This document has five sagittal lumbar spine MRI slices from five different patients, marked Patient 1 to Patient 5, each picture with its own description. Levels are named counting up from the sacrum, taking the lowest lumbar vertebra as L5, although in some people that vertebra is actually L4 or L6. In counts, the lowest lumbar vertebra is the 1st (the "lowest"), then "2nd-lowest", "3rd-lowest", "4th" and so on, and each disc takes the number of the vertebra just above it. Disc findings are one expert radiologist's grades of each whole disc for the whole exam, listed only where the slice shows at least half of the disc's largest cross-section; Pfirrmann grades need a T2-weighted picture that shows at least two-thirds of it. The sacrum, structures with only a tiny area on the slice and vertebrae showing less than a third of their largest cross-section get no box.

Patient 1 of 5:
Lumbar spine MR, T2 SPACE (3D), sagittal, Sagittal slice index 51
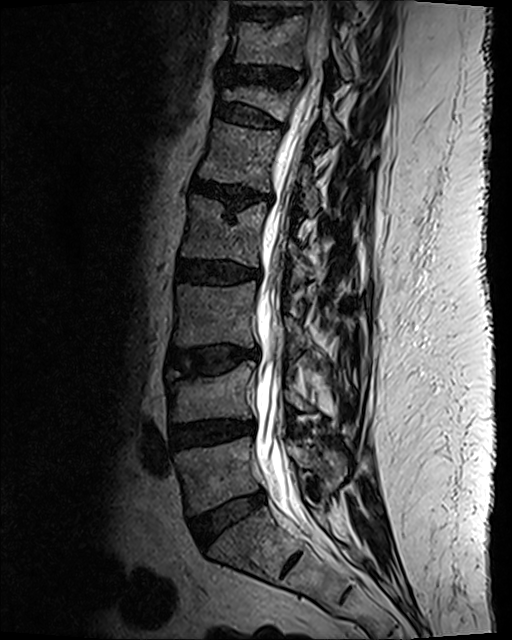 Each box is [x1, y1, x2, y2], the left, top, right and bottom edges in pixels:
L4/L5 (2nd-lowest disc): [171, 421, 246, 447].
L1 (5th vertebra): [199, 121, 319, 217].
Disc T11/T12 (7th disc): [226, 68, 297, 88].
Disc L5/S1 (lowest disc): [191, 490, 266, 546].
L1/L2 (5th disc): [193, 181, 255, 211].
T12/L1 (6th disc): [215, 103, 282, 129].
T11 (7th vertebra): [229, 16, 350, 80].
T12 (6th vertebra): [223, 83, 341, 144].
Spinal canal: [254, 1, 330, 532].
Disc L2/L3 (4th disc): [178, 260, 259, 285].
L3/L4 (3rd-lowest disc): [169, 348, 257, 374].
L5 (lowest vertebra): [176, 437, 346, 514].
L2 (4th vertebra): [182, 198, 311, 286].
L4 (2nd-lowest vertebra): [166, 362, 337, 431].
L3 (3rd-lowest vertebra): [174, 281, 314, 355].
Disc T10/T11 (8th disc): [236, 10, 300, 20].

Expert MSK radiologist gradings (per disc):
• L3/L4 (3rd-lowest disc): Pfirrmann grade 3, Modic type II, lower-endplate change, disc bulging, upper-endplate change
• L1/L2 (5th disc): Pfirrmann grade 3, lower-endplate change, Modic type II, disc narrowing, disc bulging, upper-endplate change
• L2/L3 (4th disc): Pfirrmann grade 3, lower-endplate change, disc bulging
• L4/L5 (2nd-lowest disc): Pfirrmann grade 3, disc narrowing, disc bulging
• T12/L1 (6th disc): Pfirrmann grade 2, disc bulging, upper-endplate change, spondylolisthesis, lower-endplate change
• T11/T12 (7th disc): Pfirrmann grade 2, disc bulging, lower-endplate change, upper-endplate change, disc narrowing
• L5/S1 (lowest disc): Pfirrmann grade 2, disc bulging

Patient 2 of 5:
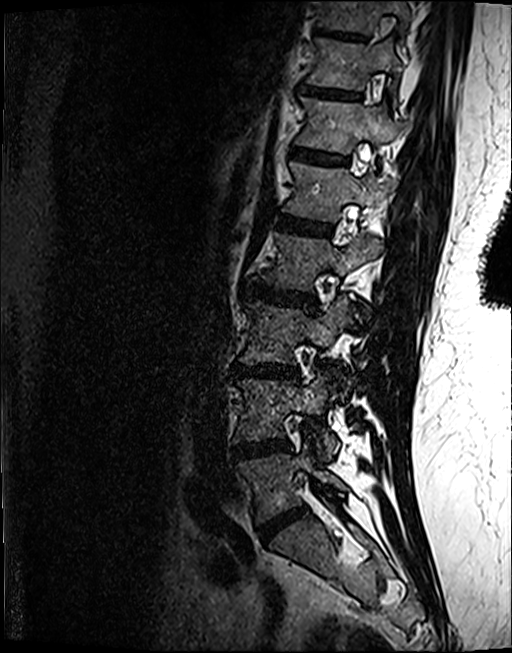 Image 512x653, T2 SPACE (3D) sagittal MRI of the lumbar spine, Patient sex: F
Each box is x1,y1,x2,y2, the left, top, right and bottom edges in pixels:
L3/L4 — 234,364,298,377 | disc L4/L5 — 232,438,288,459 | T12 — 293,97,394,152 | L5/S1 — 258,507,306,541 | L1 vertebra — 282,162,383,221 | L2/L3 — 241,282,316,310 | L5 vertebra — 234,444,347,524 | disc T12/L1 — 290,147,347,163 | T11/T12 — 305,85,361,97 | L4 vertebra — 235,375,338,457 | T11 — 305,37,401,89 | L3 — 241,296,346,364 | disc L1/L2 — 277,215,332,234 | disc T10/T11 — 313,27,366,39 | L2 — 253,230,381,290 | T10 — 317,0,410,33

Expert MSK radiologist gradings (per disc):
  T11/T12: upper-endplate change
  L5/S1: disc narrowing, disc bulging
  L2/L3: Pfirrmann grade 4, upper-endplate change, disc bulging, lower-endplate change
  T12/L1: Pfirrmann grade 3, upper-endplate change, lower-endplate change
  L3/L4: Pfirrmann grade 4, disc bulging, upper-endplate change, Modic type II, lower-endplate change, disc narrowing
  T10/T11: lower-endplate change, upper-endplate change
  L1/L2: Pfirrmann grade 4, lower-endplate change, Modic type II, upper-endplate change
  L4/L5: lower-endplate change, disc bulging, Modic type II

Patient 3 of 5:
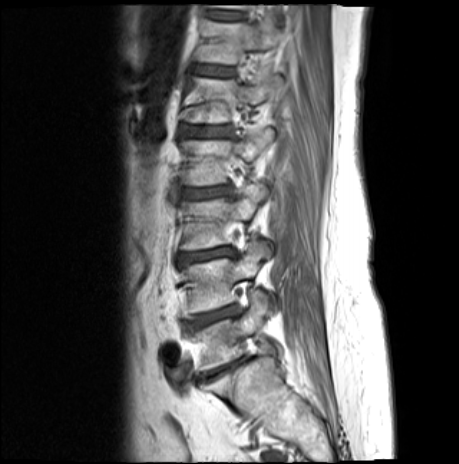 Lumbar spine MR, T1-weighted, sagittal

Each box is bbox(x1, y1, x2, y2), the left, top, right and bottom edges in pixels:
L3 vertebra at bbox(181, 184, 269, 250); intervertebral disc L3/L4 at bbox(178, 247, 236, 263); intervertebral disc L1/L2 at bbox(186, 126, 231, 136); L2 vertebra at bbox(181, 128, 274, 186); L4/L5 at bbox(184, 306, 237, 329); intervertebral disc L5/S1 at bbox(199, 360, 243, 379); L5 vertebra at bbox(194, 290, 267, 373); T12/L1 at bbox(198, 66, 234, 76); L1 vertebra at bbox(186, 74, 283, 123); L4 vertebra at bbox(182, 240, 269, 317); L2/L3 at bbox(182, 187, 227, 198); T12 vertebra at bbox(198, 19, 281, 64); T11/T12 at bbox(209, 12, 244, 19).

Per-level radiological findings:
  L1/L2: Modic type II, upper-endplate change, lower-endplate change, disc bulging
  L2/L3: upper-endplate change, disc bulging, lower-endplate change, Modic type II
  L4/L5: disc narrowing, lower-endplate change, Modic type II, upper-endplate change, disc bulging
  T11/T12: Modic type II
  L3/L4: disc narrowing, disc bulging, Modic type II, lower-endplate change, upper-endplate change
  T12/L1: lower-endplate change, upper-endplate change, Modic type II

Patient 4 of 5:
MRI lumbar spine (T2-weighted), sagittal plane. Slice 3 of 17.
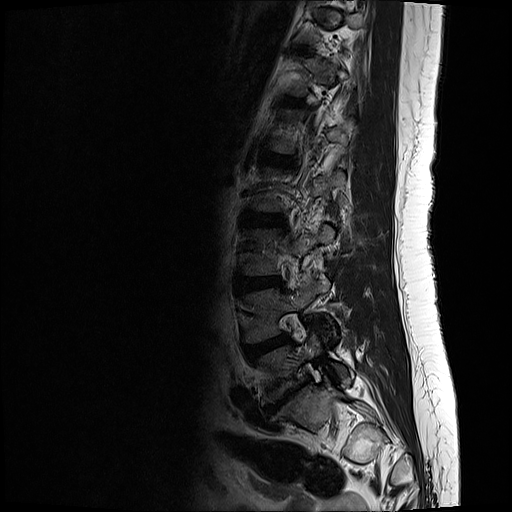 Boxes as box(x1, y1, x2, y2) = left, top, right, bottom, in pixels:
L3/L4: box(232, 277, 282, 292).
T11/T12: box(288, 46, 310, 50).
T12 vertebra: box(280, 55, 354, 95).
L4: box(240, 276, 327, 342).
Intervertebral disc L4/L5: box(242, 334, 291, 359).
Intervertebral disc L1/L2: box(255, 150, 294, 165).
L5/S1: box(262, 390, 295, 416).
L3: box(238, 224, 332, 275).
L2: box(247, 166, 343, 212).
L2/L3: box(240, 211, 286, 224).
T12/L1: box(273, 95, 304, 105).
L5: box(255, 334, 350, 403).
L1 vertebra: box(265, 107, 354, 153).

Radiological gradings:
  L3/L4: disc bulging
  L4/L5: disc bulging
  L2/L3, L1/L2, T12/L1: no spondylolisthesis, narrowing, bulging, herniation, Modic or endplate change recorded

Patient 5 of 5:
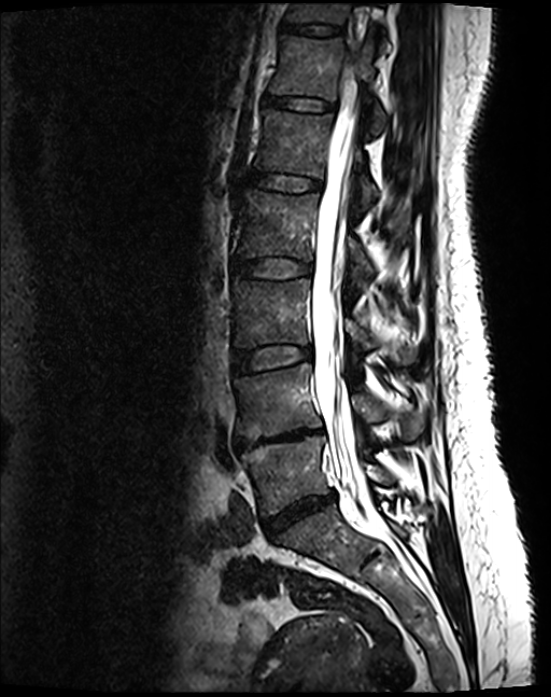

MRI lumbar spine (T2 SPACE (3D)), sagittal plane, Sex F
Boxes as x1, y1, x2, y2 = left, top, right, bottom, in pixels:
4th disc at 233, 258, 311, 277.
Lowest disc at 263, 493, 335, 535.
2nd-lowest vertebra at 235, 364, 419, 438.
3rd-lowest vertebra at 231, 280, 368, 359.
5th vertebra at 255, 110, 377, 211.
7th disc at 282, 22, 341, 35.
2nd-lowest disc at 235, 428, 323, 449.
5th disc at 248, 173, 321, 190.
Thecal sac / spinal canal at 311, 97, 366, 502.
6th disc at 265, 96, 333, 110.
6th vertebra at 270, 36, 387, 133.
Lowest vertebra at 241, 435, 387, 516.
3rd-lowest disc at 233, 346, 312, 374.
4th vertebra at 235, 190, 371, 291.
7th vertebra at 288, 3, 349, 24.

Expert MSK radiologist gradings (per disc):
  6th disc: Pfirrmann grade 2
  4th disc: Pfirrmann grade 2
  5th disc: Pfirrmann grade 2
  7th disc: Pfirrmann grade 2
  2nd-lowest disc: Pfirrmann grade 5, disc bulging, Modic type II, lower-endplate change, upper-endplate change, disc narrowing
  lowest disc: Pfirrmann grade 4, disc bulging, disc narrowing
  3rd-lowest disc: Pfirrmann grade 2